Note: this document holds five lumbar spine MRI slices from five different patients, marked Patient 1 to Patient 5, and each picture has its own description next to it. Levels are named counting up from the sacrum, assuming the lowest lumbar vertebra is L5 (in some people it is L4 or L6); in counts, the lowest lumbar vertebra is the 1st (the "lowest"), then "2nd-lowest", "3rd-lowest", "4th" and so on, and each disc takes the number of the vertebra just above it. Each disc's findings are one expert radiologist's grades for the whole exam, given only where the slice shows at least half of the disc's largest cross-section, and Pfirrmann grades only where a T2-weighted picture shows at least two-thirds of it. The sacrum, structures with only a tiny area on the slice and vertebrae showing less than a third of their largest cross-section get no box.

Patient 1 of 5:
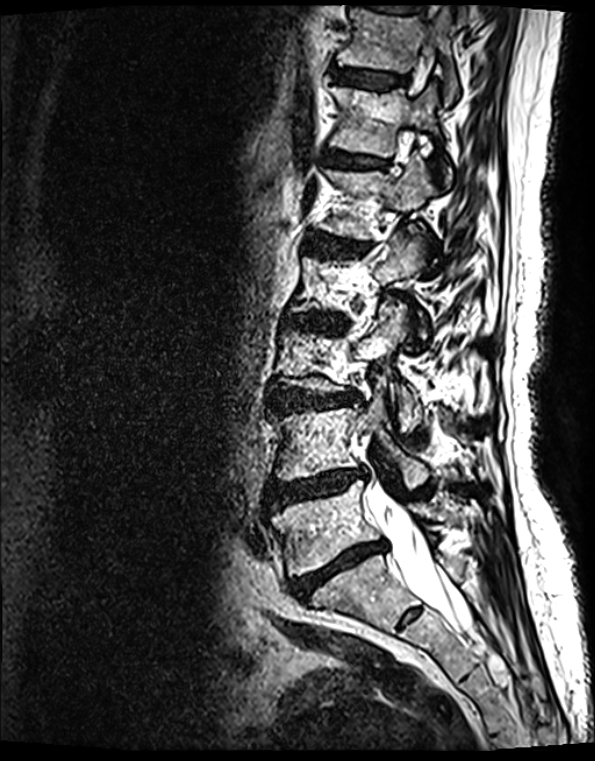
Sagittal T2 SPACE (3D) lumbar spine MRI; Slice 54/139; Patient sex: F

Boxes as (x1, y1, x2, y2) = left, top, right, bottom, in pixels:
Annotations:
* thecal sac / spinal canal at (370, 491, 469, 630)
* T12 at (331, 86, 436, 158)
* L3/L4 at (274, 390, 356, 411)
* L5 at (271, 480, 443, 576)
* IVD T12/L1 at (327, 151, 385, 169)
* T11/T12 at (334, 69, 404, 89)
* IVD L1/L2 at (323, 240, 336, 251)
* L4 vertebra at (274, 376, 427, 490)
* L1 at (323, 157, 436, 239)
* T11 at (338, 7, 459, 106)
* IVD L5/S1 at (291, 541, 384, 600)
* L4/L5 at (270, 468, 364, 508)

Expert MSK radiologist gradings (per disc):
  T12/L1: upper-endplate change, lower-endplate change, Modic type II
  L3/L4: Pfirrmann grade 4, Modic type II, lower-endplate change, upper-endplate change, disc bulging, disc narrowing
  L5/S1: Pfirrmann grade 5, lower-endplate change, Modic type II, disc narrowing, upper-endplate change, disc bulging
  L4/L5: Pfirrmann grade 4, disc narrowing, upper-endplate change, disc herniation, lower-endplate change, disc bulging, Modic type II
  T11/T12: Pfirrmann grade 2, lower-endplate change, upper-endplate change, Modic type II

Patient 2 of 5:
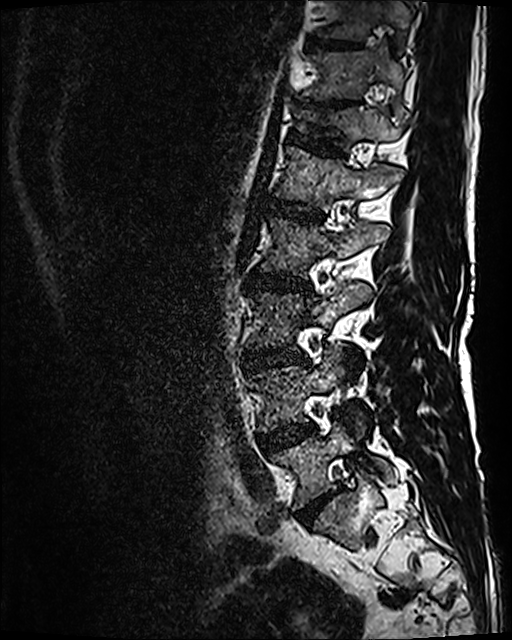 Field of view 240x300 mm | Lumbar spine MR, T2 SPACE (3D), sagittal | Slice 80 of 120
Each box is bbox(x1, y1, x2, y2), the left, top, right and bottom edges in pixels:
2nd-lowest disc — bbox(259, 424, 315, 451).
Lowest vertebra — bbox(271, 421, 391, 508).
7th vertebra — bbox(303, 51, 404, 99).
6th vertebra — bbox(298, 106, 402, 149).
7th disc — bbox(321, 101, 350, 105).
8th vertebra — bbox(321, 0, 410, 38).
5th vertebra — bbox(275, 147, 403, 211).
4th vertebra — bbox(260, 218, 390, 276).
2nd-lowest vertebra — bbox(252, 347, 366, 435).
Lowest disc — bbox(296, 492, 336, 524).
4th disc — bbox(248, 272, 309, 289).
3rd-lowest disc — bbox(243, 349, 306, 366).
8th disc — bbox(309, 39, 357, 48).
3rd-lowest vertebra — bbox(255, 282, 372, 347).
5th disc — bbox(270, 198, 322, 223).
6th disc — bbox(290, 131, 345, 155).

Expert MSK radiologist gradings (per disc):
  5th disc: Pfirrmann grade 3
  6th disc: upper-endplate change, lower-endplate change
  3rd-lowest disc: disc narrowing, Modic type II, disc bulging
  4th disc: Modic type II, disc bulging
  2nd-lowest disc: Pfirrmann grade 3, Modic type II, disc bulging
  8th disc: no Modic or endplate change, herniation, narrowing, bulging or spondylolisthesis recorded

Patient 3 of 5:
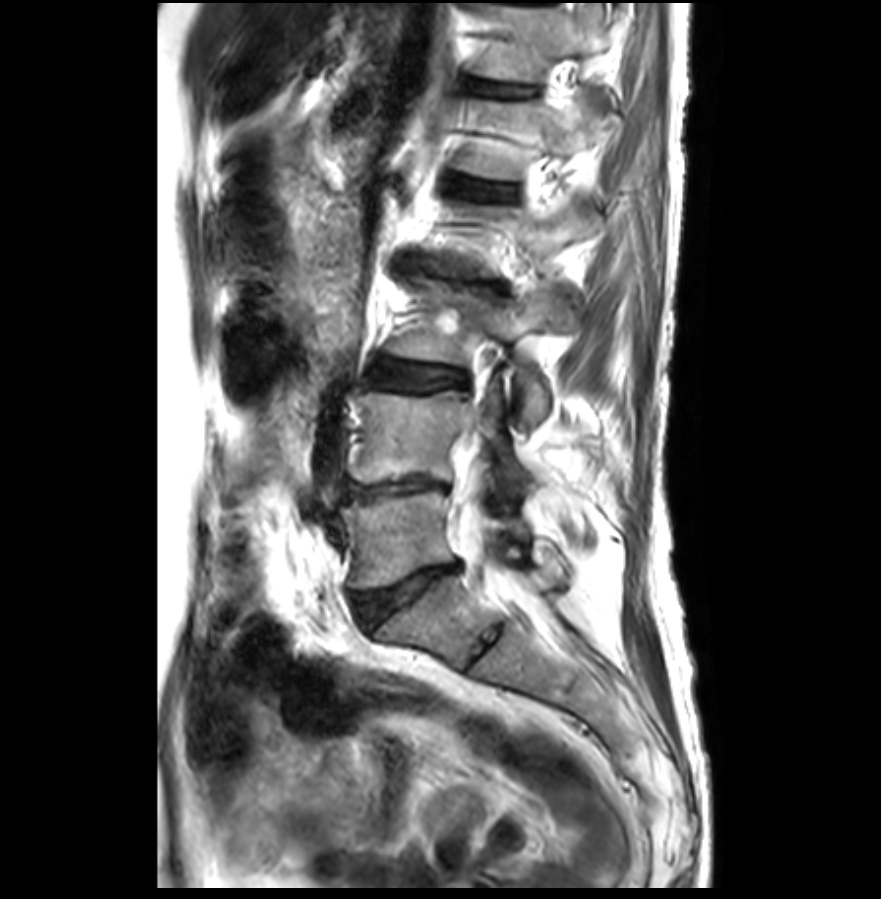

Lumbar spine MR, T2-weighted, sagittal, Image 881x899, Slice 12/31, Field of view 280x286 mm, Sex F

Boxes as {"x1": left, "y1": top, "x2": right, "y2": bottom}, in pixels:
IVD L1/L2 at {"x1": 450, "y1": 179, "x2": 514, "y2": 199}, L2/L3 at {"x1": 395, "y1": 256, "x2": 505, "y2": 292}, IVD T12/L1 at {"x1": 464, "y1": 78, "x2": 536, "y2": 96}, L4 at {"x1": 352, "y1": 389, "x2": 526, "y2": 483}, L3/L4 at {"x1": 368, "y1": 361, "x2": 467, "y2": 390}, IVD L5/S1 at {"x1": 356, "y1": 563, "x2": 459, "y2": 624}, L5 at {"x1": 340, "y1": 489, "x2": 528, "y2": 588}, thecal sac / spinal canal at {"x1": 460, "y1": 467, "x2": 489, "y2": 561}, IVD L4/L5 at {"x1": 344, "y1": 480, "x2": 449, "y2": 501}, T12 at {"x1": 464, "y1": 4, "x2": 611, "y2": 82}, L1 at {"x1": 462, "y1": 102, "x2": 619, "y2": 178}, L3 vertebra at {"x1": 391, "y1": 276, "x2": 577, "y2": 424}.

Radiological gradings:
- L5/S1: Pfirrmann grade 3, disc bulging, lower-endplate change, upper-endplate change, disc narrowing
- T12/L1: lower-endplate change, upper-endplate change
- L2/L3: upper-endplate change, disc narrowing, disc herniation, disc bulging, Modic type II, lower-endplate change
- L3/L4: Pfirrmann grade 3, Modic type II, disc bulging
- L4/L5: Pfirrmann grade 5, disc bulging, Modic type II, disc narrowing
- L1/L2: upper-endplate change, lower-endplate change, Modic type II

Patient 4 of 5:
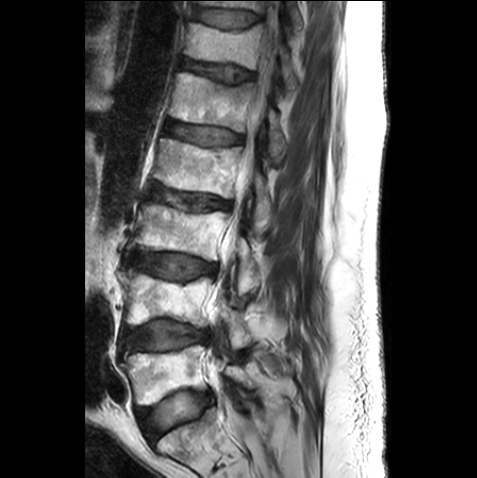 Lumbar spine MR, T2-weighted, sagittal; Slice 16/25; 477x478 px
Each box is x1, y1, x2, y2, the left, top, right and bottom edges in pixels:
4th disc at 149, 184, 231, 211.
5th vertebra at 168, 72, 285, 164.
3rd-lowest disc at 134, 251, 216, 279.
2nd-lowest disc at 123, 321, 208, 351.
3rd-lowest vertebra at 132, 203, 259, 295.
6th disc at 182, 59, 253, 83.
2nd-lowest vertebra at 119, 269, 253, 348.
Lowest disc at 136, 391, 210, 441.
Lowest vertebra at 120, 345, 255, 405.
6th vertebra at 184, 23, 297, 97.
Spinal canal at 211, 0, 277, 435.
7th vertebra at 198, 0, 302, 34.
4th vertebra at 153, 138, 270, 235.
7th disc at 195, 7, 259, 28.
5th disc at 164, 120, 243, 145.

Radiological gradings:
• 5th disc: Pfirrmann grade 3
• 4th disc: Pfirrmann grade 3, upper-endplate change
• 7th disc: Pfirrmann grade 2
• 3rd-lowest disc: Pfirrmann grade 2
• 2nd-lowest disc: Pfirrmann grade 2, lower-endplate change
• lowest disc: Pfirrmann grade 1
• 6th disc: Pfirrmann grade 3, upper-endplate change

Patient 5 of 5:
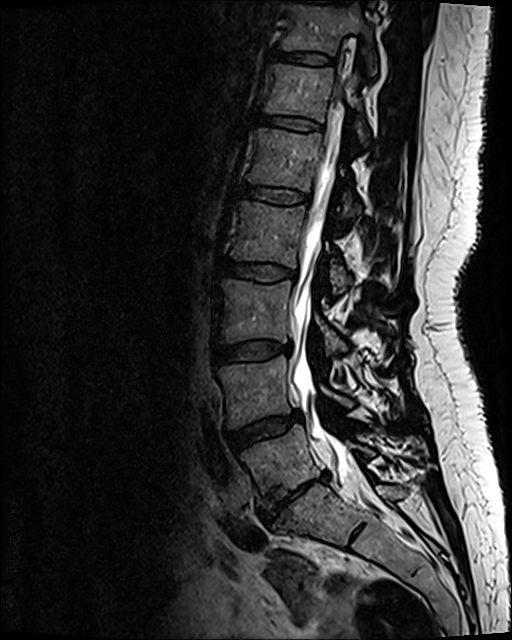 Patient sex: F | T2 SPACE (3D) sagittal MRI of the lumbar spine
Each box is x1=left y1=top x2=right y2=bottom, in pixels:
Lowest vertebra at x1=242 y1=425 x2=372 y2=507, 4th vertebra at x1=231 y1=202 x2=395 y2=295, 3rd-lowest disc at x1=212 y1=341 x2=290 y2=364, 3rd-lowest vertebra at x1=219 y1=281 x2=346 y2=352, lowest disc at x1=260 y1=472 x2=329 y2=522, 4th disc at x1=222 y1=260 x2=295 y2=280, 6th vertebra at x1=265 y1=64 x2=368 y2=142, thecal sac / spinal canal at x1=290 y1=99 x2=355 y2=472, 7th vertebra at x1=282 y1=5 x2=376 y2=69, 5th vertebra at x1=249 y1=128 x2=359 y2=217, 7th disc at x1=271 y1=49 x2=332 y2=63, 5th disc at x1=240 y1=184 x2=310 y2=204, 6th disc at x1=258 y1=114 x2=321 y2=130, 2nd-lowest disc at x1=227 y1=414 x2=300 y2=450, 2nd-lowest vertebra at x1=218 y1=356 x2=384 y2=426.

Degenerative findings by level:
• 7th disc: Pfirrmann grade 2
• 2nd-lowest disc: Pfirrmann grade 3, disc bulging
• lowest disc: disc herniation, disc narrowing, lower-endplate change, disc bulging, Modic type III, upper-endplate change
• 6th disc: Pfirrmann grade 2
• 3rd-lowest disc: Pfirrmann grade 2, disc bulging
• 5th disc: Pfirrmann grade 2
• 4th disc: Pfirrmann grade 2